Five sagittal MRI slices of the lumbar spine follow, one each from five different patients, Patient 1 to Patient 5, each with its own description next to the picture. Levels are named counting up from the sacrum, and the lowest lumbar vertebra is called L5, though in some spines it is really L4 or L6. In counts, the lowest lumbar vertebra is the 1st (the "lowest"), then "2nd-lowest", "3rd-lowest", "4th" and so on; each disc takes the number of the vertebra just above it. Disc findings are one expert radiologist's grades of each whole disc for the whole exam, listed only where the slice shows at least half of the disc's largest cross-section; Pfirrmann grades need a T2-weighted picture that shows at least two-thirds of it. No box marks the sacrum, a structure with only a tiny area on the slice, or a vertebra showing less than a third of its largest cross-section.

Patient 1 of 5:
Slice spacing 3.3 mm | T1-weighted sagittal MRI of the lumbar spine | Slice 3/17
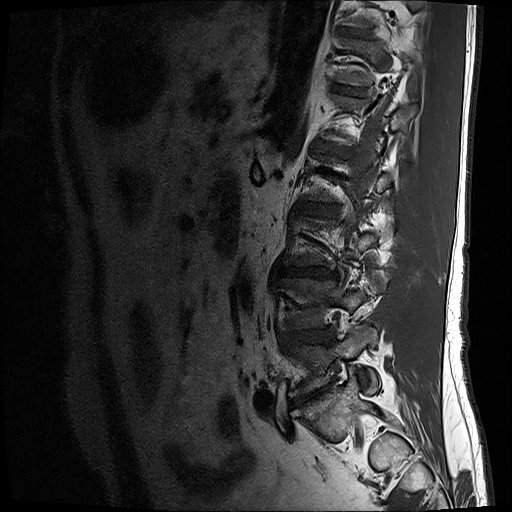
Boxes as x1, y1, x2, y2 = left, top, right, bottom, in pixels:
7th disc: 335, 27, 373, 39.
2nd-lowest vertebra: 279, 278, 366, 330.
6th vertebra: 333, 38, 412, 85.
5th disc: 313, 142, 353, 157.
Lowest vertebra: 287, 325, 378, 397.
2nd-lowest disc: 280, 329, 334, 345.
Lowest disc: 291, 387, 327, 405.
6th disc: 332, 86, 365, 95.
3rd-lowest disc: 280, 267, 337, 278.
4th disc: 298, 204, 339, 217.

Expert MSK radiologist gradings (per disc):
• 2nd-lowest disc: disc narrowing, disc bulging
• 4th disc: disc bulging
• 3rd-lowest disc: disc narrowing, lower-endplate change, disc bulging
• 7th disc, 5th disc: no herniation, bulging, narrowing, spondylolisthesis, endplate or Modic change recorded

Patient 2 of 5:
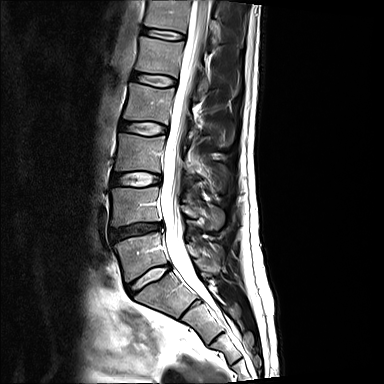
Sagittal T2-weighted lumbar spine MRI

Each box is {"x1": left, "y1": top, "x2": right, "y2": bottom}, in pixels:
- T12 = {"x1": 145, "y1": 0, "x2": 216, "y2": 43}
- IVD L3/L4 = {"x1": 112, "y1": 172, "x2": 160, "y2": 186}
- L4 vertebra = {"x1": 112, "y1": 187, "x2": 224, "y2": 229}
- L2 vertebra = {"x1": 124, "y1": 83, "x2": 198, "y2": 136}
- L5 vertebra = {"x1": 114, "y1": 233, "x2": 206, "y2": 281}
- L1/L2 = {"x1": 132, "y1": 72, "x2": 176, "y2": 86}
- IVD L4/L5 = {"x1": 109, "y1": 223, "x2": 162, "y2": 240}
- spinal canal = {"x1": 160, "y1": 0, "x2": 209, "y2": 296}
- IVD T12/L1 = {"x1": 142, "y1": 27, "x2": 185, "y2": 39}
- IVD L5/S1 = {"x1": 126, "y1": 264, "x2": 169, "y2": 296}
- L3 = {"x1": 115, "y1": 134, "x2": 190, "y2": 174}
- L2/L3 = {"x1": 120, "y1": 121, "x2": 167, "y2": 135}
- L1 = {"x1": 135, "y1": 37, "x2": 208, "y2": 97}

Degenerative findings by level:
• L2/L3: Pfirrmann grade 2
• L1/L2: Pfirrmann grade 2
• L4/L5: Pfirrmann grade 4, disc narrowing, disc herniation
• L5/S1: Pfirrmann grade 2, disc bulging
• T12/L1: Pfirrmann grade 2
• L3/L4: Pfirrmann grade 2

Patient 3 of 5:
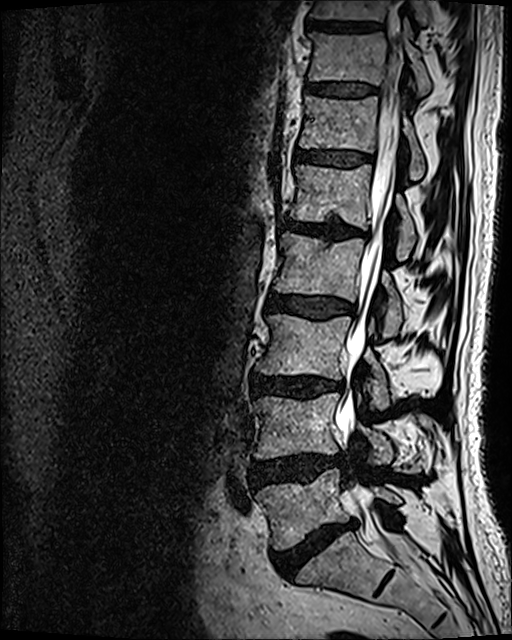 512x640 px | Lumbar spine MR, T2 SPACE (3D), sagittal

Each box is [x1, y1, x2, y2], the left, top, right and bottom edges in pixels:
disc T11/T12: [306, 84, 375, 96]
L4 vertebra: [255, 393, 420, 471]
L2 vertebra: [275, 233, 403, 336]
L3 vertebra: [256, 314, 389, 408]
L5 vertebra: [256, 469, 401, 549]
thecal sac / spinal canal: [335, 32, 414, 565]
L1 vertebra: [290, 164, 416, 260]
T10 vertebra: [311, 0, 429, 28]
disc L3/L4: [251, 374, 342, 398]
L1/L2: [282, 218, 367, 238]
disc L5/S1: [270, 521, 356, 578]
T12/L1: [295, 151, 371, 166]
T11: [308, 20, 430, 95]
T10/T11: [306, 19, 382, 30]
disc L4/L5: [251, 454, 338, 486]
T12: [300, 95, 425, 180]
disc L2/L3: [266, 293, 352, 319]

Per-level radiological findings:
- T12/L1: Pfirrmann grade 3
- L1/L2: Pfirrmann grade 4, Modic type II, upper-endplate change, disc narrowing, disc bulging, lower-endplate change
- L2/L3: Pfirrmann grade 3, disc bulging
- L5/S1: Pfirrmann grade 5, disc bulging, lower-endplate change, disc narrowing, Modic type II
- L4/L5: Pfirrmann grade 4, disc bulging, disc herniation
- L3/L4: Pfirrmann grade 4, disc bulging, Modic type II, disc narrowing, lower-endplate change
- T11/T12: Pfirrmann grade 3

Patient 4 of 5:
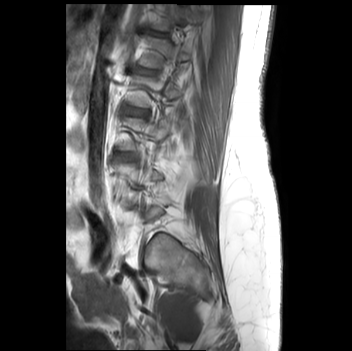 Slice 11 of 35; Image 352x351; MRI lumbar spine (T1-weighted), sagittal plane

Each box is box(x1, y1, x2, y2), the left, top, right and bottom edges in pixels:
L3/L4 (3rd-lowest disc) = box(114, 152, 128, 159) | IVD L2/L3 (4th disc) = box(122, 106, 146, 114) | L1 (5th vertebra) = box(139, 37, 190, 67) | IVD L1/L2 (5th disc) = box(135, 66, 151, 73) | T12 (6th vertebra) = box(153, 4, 201, 30)

Expert MSK radiologist gradings (per disc):
- L2/L3 (4th disc): no Modic or endplate change, herniation, narrowing, bulging or spondylolisthesis recorded

Patient 5 of 5:
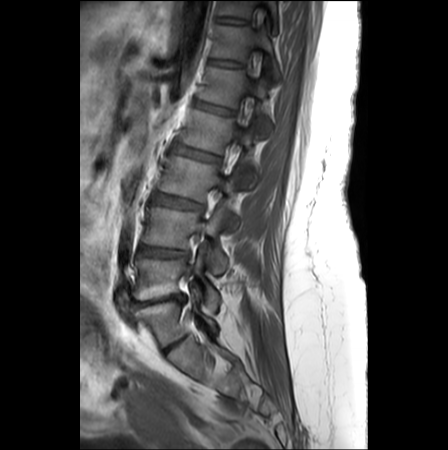
MRI lumbar spine (T1-weighted), sagittal plane
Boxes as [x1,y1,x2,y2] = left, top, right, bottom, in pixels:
Structures:
* L4 (2nd-lowest vertebra) = [142,206,227,273]
* T11 (7th vertebra) = [216,0,277,26]
* disc L5/S1 (lowest disc) = [131,293,184,309]
* L4/L5 (2nd-lowest disc) = [138,244,188,258]
* T11/T12 (7th disc) = [216,17,248,23]
* L2/L3 (4th disc) = [172,143,218,162]
* T12 (6th vertebra) = [211,25,279,76]
* L3 (3rd-lowest vertebra) = [159,156,239,228]
* disc L1/L2 (5th disc) = [194,100,233,115]
* L5 (lowest vertebra) = [133,250,220,313]
* L2 (4th vertebra) = [180,109,255,184]
* disc L3/L4 (3rd-lowest disc) = [153,193,201,210]
* L1 (5th vertebra) = [196,68,269,130]
* T12/L1 (6th disc) = [210,60,242,68]

Expert MSK radiologist gradings (per disc):
• L1/L2 (5th disc): upper-endplate change, lower-endplate change
• L2/L3 (4th disc): lower-endplate change, upper-endplate change
• L3/L4 (3rd-lowest disc): disc bulging, Modic type II
• L5/S1 (lowest disc): spondylolisthesis, disc bulging, disc narrowing, Modic type II
• L4/L5 (2nd-lowest disc): disc herniation, disc bulging
• T12/L1 (6th disc), T11/T12 (7th disc): no Modic or endplate change, herniation, narrowing, bulging or spondylolisthesis recorded